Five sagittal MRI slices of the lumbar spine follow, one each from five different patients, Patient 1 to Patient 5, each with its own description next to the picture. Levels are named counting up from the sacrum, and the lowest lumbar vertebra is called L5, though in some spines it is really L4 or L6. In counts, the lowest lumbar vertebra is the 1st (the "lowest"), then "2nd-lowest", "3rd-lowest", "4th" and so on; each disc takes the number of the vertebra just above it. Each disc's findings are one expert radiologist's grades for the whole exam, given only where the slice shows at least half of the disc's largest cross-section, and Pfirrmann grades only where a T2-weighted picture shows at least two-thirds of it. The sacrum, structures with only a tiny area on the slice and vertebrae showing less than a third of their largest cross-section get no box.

Patient 1 of 5:
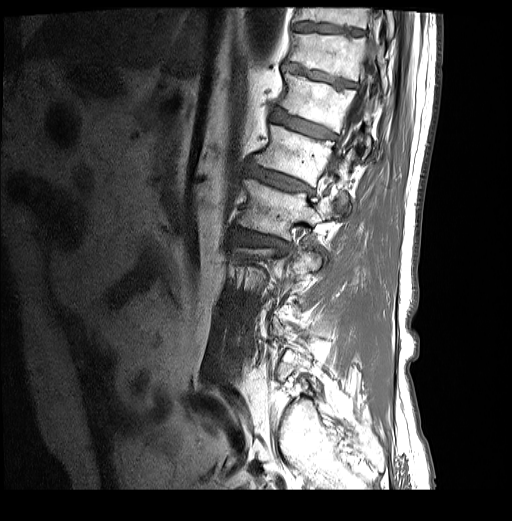 T1-weighted sagittal MRI of the lumbar spine, 512x521 px, Slice 7/30

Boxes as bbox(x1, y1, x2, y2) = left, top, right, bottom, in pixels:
Disc L2/L3 (4th disc) at bbox(232, 227, 288, 252); T11/T12 (7th disc) at bbox(284, 64, 355, 87); T11 (7th vertebra) at bbox(288, 33, 388, 93); thecal sac / spinal canal at bbox(326, 16, 378, 174); T10 (8th vertebra) at bbox(295, 7, 393, 39); disc T12/L1 (6th disc) at bbox(271, 109, 335, 138); L1 (5th vertebra) at bbox(254, 125, 355, 208); T10/T11 (8th disc) at bbox(294, 23, 362, 34); disc L1/L2 (5th disc) at bbox(245, 163, 308, 191); L2 (4th vertebra) at bbox(237, 179, 335, 239); T12 (6th vertebra) at bbox(279, 72, 372, 152).

Per-level radiological findings:
  L1/L2 (5th disc): upper-endplate change, disc bulging, Modic type II, lower-endplate change
  L2/L3 (4th disc): disc bulging, upper-endplate change, Modic type I, lower-endplate change, disc narrowing
  T12/L1 (6th disc): lower-endplate change, upper-endplate change, disc bulging, Modic type II
  T11/T12 (7th disc): upper-endplate change, disc bulging, lower-endplate change
  T10/T11 (8th disc): no spondylolisthesis, narrowing, bulging, herniation, Modic or endplate change recorded

Patient 2 of 5:
Sex M. Lumbar spine MR, T2-weighted, sagittal. Slice 22/25. Field of view 280x281 mm.
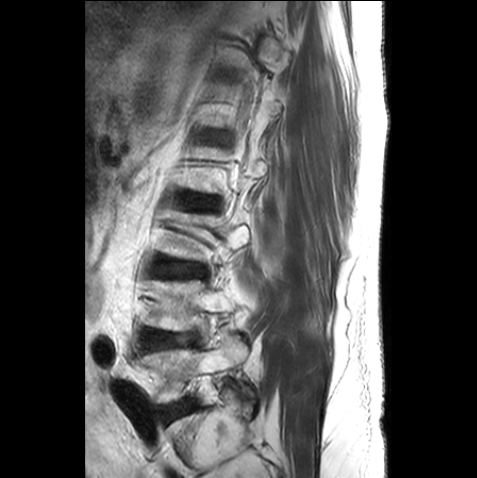
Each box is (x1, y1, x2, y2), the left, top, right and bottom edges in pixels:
{"3rd-lowest disc": "(159, 262, 204, 276)", "4th disc": "(186, 199, 213, 208)", "2nd-lowest disc": "(147, 333, 194, 347)", "lowest vertebra": "(136, 346, 255, 404)", "lowest disc": "(162, 401, 187, 422)", "2nd-lowest vertebra": "(147, 280, 234, 330)"}

Patient 3 of 5:
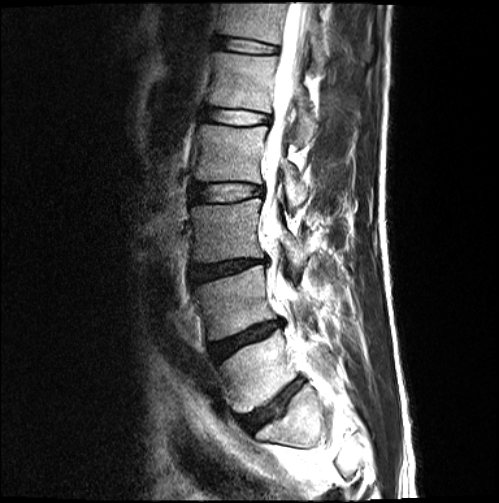 T2-weighted sagittal MRI of the lumbar spine, Sex M
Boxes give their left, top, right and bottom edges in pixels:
L2/L3 at left=191, top=183, right=263, bottom=202; thecal sac / spinal canal at left=263, top=2, right=336, bottom=394; L3/L4 at left=188, top=259, right=267, bottom=282; L1/L2 at left=203, top=107, right=271, bottom=124; T12/L1 at left=217, top=37, right=277, bottom=53; L5/S1 at left=244, top=380, right=301, bottom=430; L2 at left=194, top=125, right=308, bottom=207; L5 vertebra at left=220, top=329, right=330, bottom=412; T12 at left=220, top=3, right=328, bottom=71; L4 at left=195, top=265, right=316, bottom=339; L3 at left=191, top=199, right=310, bottom=267; intervertebral disc L4/L5 at left=209, top=321, right=281, bottom=361; L1 at left=209, top=52, right=317, bottom=143.

Expert MSK radiologist gradings (per disc):
• L1/L2: Pfirrmann grade 2
• L2/L3: Pfirrmann grade 2
• L4/L5: Pfirrmann grade 4, disc narrowing, lower-endplate change, disc bulging, upper-endplate change
• L3/L4: Pfirrmann grade 4, disc bulging, disc narrowing, lower-endplate change, upper-endplate change
• T12/L1: Pfirrmann grade 2

Patient 4 of 5:
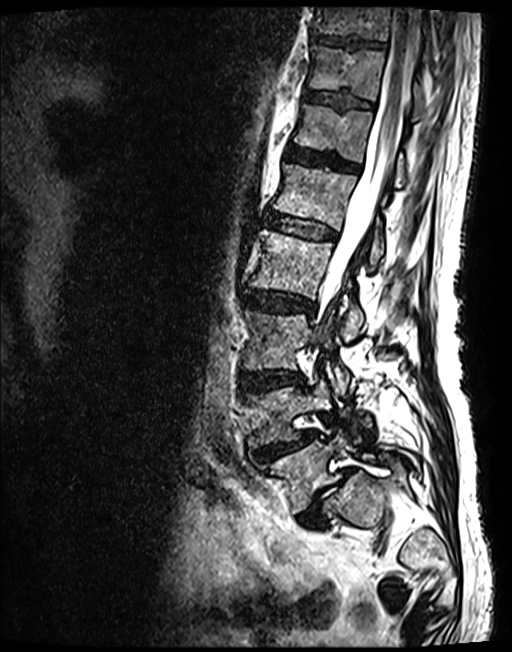
Lumbar spine MR, T2 SPACE (3D), sagittal. Slice 57 of 143.
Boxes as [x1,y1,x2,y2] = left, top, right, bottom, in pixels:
6th disc — [287,146,357,172].
Spinal canal — [322,7,420,297].
7th disc — [305,90,372,108].
2nd-lowest vertebra — [244,379,331,448].
Lowest disc — [297,468,352,527].
5th disc — [265,213,334,239].
8th disc — [314,34,384,48].
4th disc — [244,291,314,313].
4th vertebra — [250,230,364,339].
3rd-lowest vertebra — [242,310,350,393].
Lowest vertebra — [259,432,418,512].
3rd-lowest disc — [239,370,302,392].
2nd-lowest disc — [254,430,315,460].
7th vertebra — [308,47,426,118].
6th vertebra — [294,103,407,186].
8th vertebra — [315,7,430,50].
5th vertebra — [273,164,384,266].

Degenerative findings by level:
• 8th disc: Pfirrmann grade 3
• 6th disc: Pfirrmann grade 3
• 5th disc: Pfirrmann grade 3
• lowest disc: disc narrowing, Modic type II, disc herniation, spondylolisthesis
• 3rd-lowest disc: upper-endplate change, lower-endplate change, disc bulging
• 4th disc: Pfirrmann grade 3, disc bulging
• 7th disc: Pfirrmann grade 3

Patient 5 of 5:
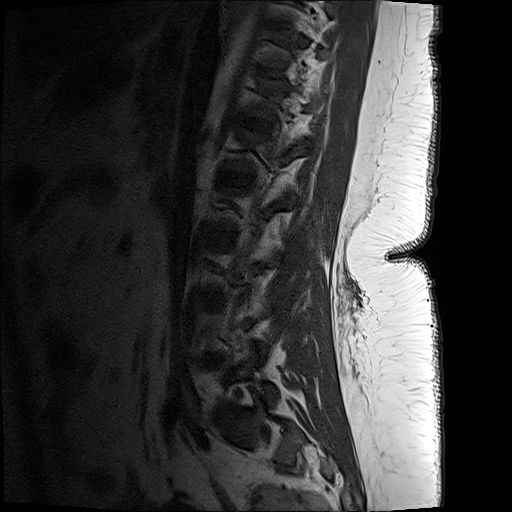 Image 512x512 | T1-weighted sagittal MRI of the lumbar spine | Sex F

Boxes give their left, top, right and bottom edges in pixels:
L1 vertebra at left=222, top=126, right=307, bottom=172; disc T10/T11 at left=274, top=21, right=291, bottom=26; disc L1/L2 at left=219, top=169, right=250, bottom=184; disc L2/L3 at left=209, top=230, right=236, bottom=243; disc L5/S1 at left=219, top=404, right=234, bottom=414; disc L3/L4 at left=203, top=293, right=222, bottom=298; disc T12/L1 at left=235, top=111, right=277, bottom=132; disc T11/T12 at left=260, top=65, right=285, bottom=77.

Degenerative findings by level:
- T12/L1: no Modic or endplate change, herniation, narrowing, bulging or spondylolisthesis recorded